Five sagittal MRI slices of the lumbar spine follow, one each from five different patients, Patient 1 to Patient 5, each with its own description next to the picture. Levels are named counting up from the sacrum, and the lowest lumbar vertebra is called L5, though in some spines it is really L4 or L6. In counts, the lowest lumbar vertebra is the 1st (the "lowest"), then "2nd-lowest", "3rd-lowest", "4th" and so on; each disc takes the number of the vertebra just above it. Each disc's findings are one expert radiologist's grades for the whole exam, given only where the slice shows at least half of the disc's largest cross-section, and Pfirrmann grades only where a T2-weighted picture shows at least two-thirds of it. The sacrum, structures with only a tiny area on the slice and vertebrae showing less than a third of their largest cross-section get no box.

Patient 1 of 5:
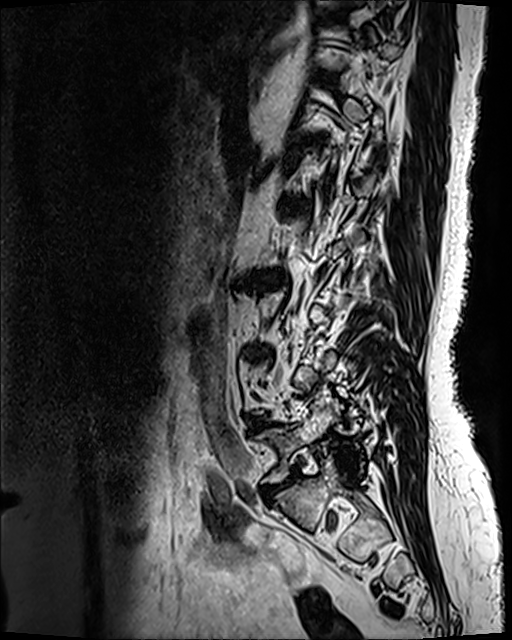 Sagittal T2 SPACE (3D) lumbar spine MRI
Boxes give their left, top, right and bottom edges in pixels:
L5: left=258, top=405, right=338, bottom=483
T10/T11: left=324, top=12, right=345, bottom=20
disc L1/L2: left=283, top=201, right=302, bottom=213
L2/L3: left=270, top=276, right=280, bottom=282
disc L5/S1: left=265, top=474, right=296, bottom=495

Patient 2 of 5:
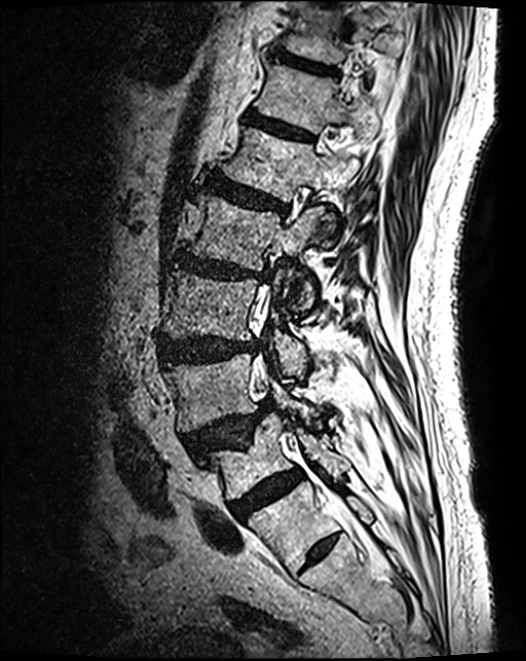 Sex M | Sagittal slice index 47 | MRI lumbar spine (T2 SPACE (3D)), sagittal plane
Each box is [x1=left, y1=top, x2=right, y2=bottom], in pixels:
5th disc: [x1=206, y1=176, x2=287, y2=214]
2nd-lowest vertebra: [x1=166, y1=355, x2=314, y2=432]
3rd-lowest disc: [x1=160, y1=339, x2=259, y2=363]
4th disc: [x1=173, y1=253, x2=270, y2=282]
6th vertebra: [x1=257, y1=65, x2=377, y2=133]
5th vertebra: [x1=222, y1=129, x2=359, y2=241]
7th vertebra: [x1=284, y1=8, x2=394, y2=64]
3rd-lowest vertebra: [x1=162, y1=273, x2=305, y2=373]
6th disc: [x1=246, y1=114, x2=311, y2=141]
2nd-lowest disc: [x1=185, y1=402, x2=272, y2=458]
lowest vertebra: [x1=202, y1=415, x2=344, y2=501]
thecal sac / spinal canal: [x1=255, y1=291, x2=364, y2=534]
7th disc: [x1=275, y1=53, x2=336, y2=74]
4th vertebra: [x1=185, y1=195, x2=328, y2=314]
lowest disc: [x1=230, y1=470, x2=302, y2=519]

Degenerative findings by level:
• 6th disc: Pfirrmann grade 3
• 7th disc: Pfirrmann grade 3, lower-endplate change
• lowest disc: Pfirrmann grade 4
• 3rd-lowest disc: Pfirrmann grade 4, disc bulging
• 2nd-lowest disc: Pfirrmann grade 4, upper-endplate change, spondylolisthesis, disc herniation
• 5th disc: Pfirrmann grade 4, upper-endplate change, lower-endplate change, disc bulging
• 4th disc: Pfirrmann grade 4, upper-endplate change, disc bulging, disc narrowing, lower-endplate change

Patient 3 of 5:
Image 477x478 | Patient sex: F | Lumbar spine MR, T1-weighted, sagittal
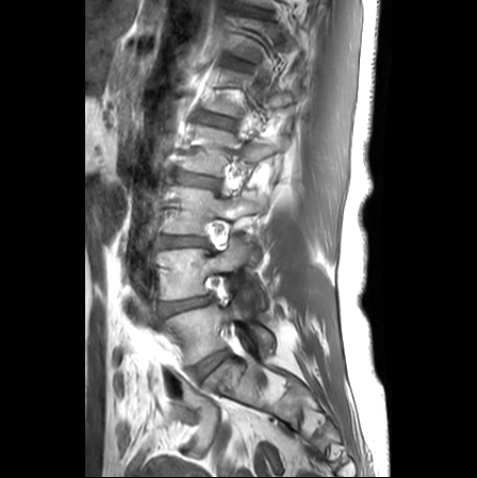

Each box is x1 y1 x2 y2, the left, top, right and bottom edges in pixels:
Structures:
- lowest disc: 192 350 229 378
- 2nd-lowest vertebra: 160 239 256 299
- 3rd-lowest disc: 161 236 207 246
- 3rd-lowest vertebra: 165 187 265 234
- 4th disc: 174 171 219 188
- 2nd-lowest disc: 163 297 208 313
- lowest vertebra: 169 299 273 364
- 4th vertebra: 182 125 285 175
- 5th disc: 196 112 234 127
- 6th disc: 224 56 252 69

Expert MSK radiologist gradings (per disc):
• 5th disc: upper-endplate change, lower-endplate change
• 2nd-lowest disc: upper-endplate change, disc bulging, disc narrowing, lower-endplate change
• 6th disc: upper-endplate change, lower-endplate change
• 4th disc: upper-endplate change, disc bulging, lower-endplate change
• 3rd-lowest disc: disc bulging, disc narrowing
• lowest disc: no Modic or endplate change, herniation, narrowing, bulging or spondylolisthesis recorded

Patient 4 of 5:
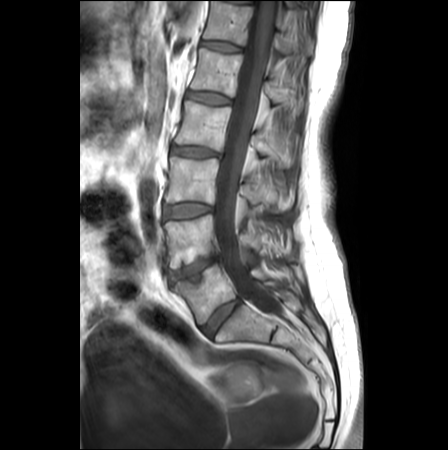 Field of view 280x281 mm; Sagittal T1-weighted lumbar spine MRI; 448x450 px
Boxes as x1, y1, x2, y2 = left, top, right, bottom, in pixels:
L3 vertebra: 165, 157, 290, 212.
Intervertebral disc L5/S1: 202, 300, 241, 335.
L3/L4: 165, 203, 211, 218.
Spinal canal: 213, 1, 280, 315.
L1: 191, 48, 303, 113.
T12/L1: 201, 40, 240, 51.
L4: 164, 215, 284, 268.
L2 vertebra: 175, 100, 293, 166.
L2/L3: 172, 146, 219, 156.
L4/L5: 170, 257, 219, 281.
T12 vertebra: 203, 1, 312, 55.
L5: 175, 264, 289, 324.
Intervertebral disc L1/L2: 187, 92, 230, 104.

Expert MSK radiologist gradings (per disc):
- L2/L3: disc bulging
- L3/L4: disc bulging
- L4/L5: disc herniation, Modic type II, upper-endplate change, disc narrowing, lower-endplate change
- L1/L2, T12/L1, L5/S1: no herniation, bulging, narrowing, spondylolisthesis, endplate or Modic change recorded

Patient 5 of 5:
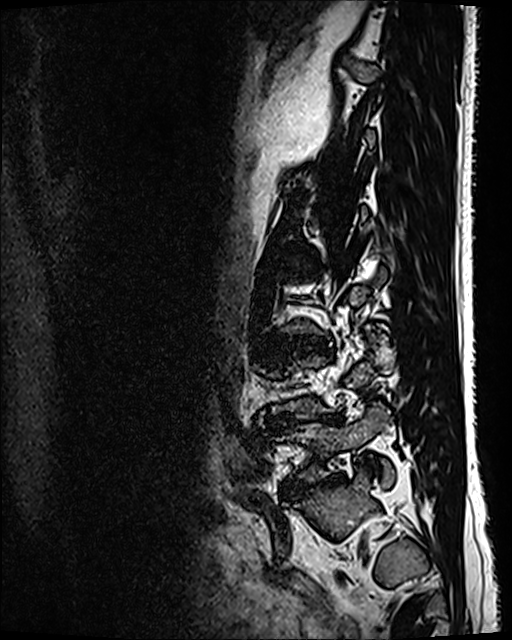
Patient sex: M | Slice 87 of 120 | Lumbar spine MR, T2 SPACE (3D), sagittal

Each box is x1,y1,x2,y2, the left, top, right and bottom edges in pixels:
Annotations:
* L5 (lowest vertebra): 270,403,393,484
* IVD L5/S1 (lowest disc): 291,474,344,494
* IVD L4/L5 (2nd-lowest disc): 274,415,337,424
* IVD L3/L4 (3rd-lowest disc): 274,335,329,352

Degenerative findings by level:
- L3/L4 (3rd-lowest disc): disc bulging, disc narrowing